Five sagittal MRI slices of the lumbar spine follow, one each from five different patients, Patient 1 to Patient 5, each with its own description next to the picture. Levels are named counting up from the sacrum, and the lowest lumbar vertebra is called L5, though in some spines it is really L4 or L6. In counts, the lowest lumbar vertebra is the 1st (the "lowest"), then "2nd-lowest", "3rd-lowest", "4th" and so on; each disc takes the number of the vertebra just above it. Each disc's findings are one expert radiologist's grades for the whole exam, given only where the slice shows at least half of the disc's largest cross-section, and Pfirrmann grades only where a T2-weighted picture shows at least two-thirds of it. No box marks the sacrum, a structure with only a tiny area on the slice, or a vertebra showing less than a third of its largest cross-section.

Patient 1 of 5:
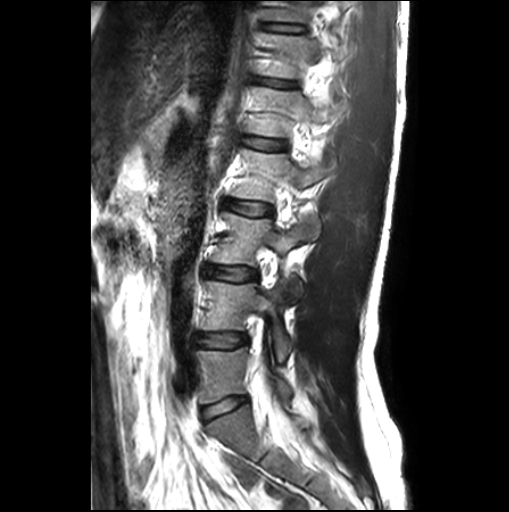 Slice spacing 3.3 mm, Slice 9 of 26, Lumbar spine MR, T2-weighted, sagittal, 509x512 px

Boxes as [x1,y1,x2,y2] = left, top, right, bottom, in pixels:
3rd-lowest vertebra: [211,212,314,302] | 5th disc: [243,137,284,149] | 5th vertebra: [248,86,330,137] | 3rd-lowest disc: [206,266,256,279] | 4th vertebra: [231,149,326,202] | 6th vertebra: [259,33,322,78] | 4th disc: [223,200,270,215] | lowest vertebra: [196,342,290,404] | 2nd-lowest vertebra: [200,277,290,362] | 7th disc: [264,23,301,32] | 2nd-lowest disc: [196,334,246,347] | 6th disc: [257,80,293,86] | lowest disc: [200,397,245,420]

Per-level radiological findings:
• 5th disc: Pfirrmann grade 1, Modic type II
• 3rd-lowest disc: Pfirrmann grade 1
• 7th disc: lower-endplate change, upper-endplate change
• 4th disc: Pfirrmann grade 1
• 2nd-lowest disc: Pfirrmann grade 1
• lowest disc: Pfirrmann grade 1

Patient 2 of 5:
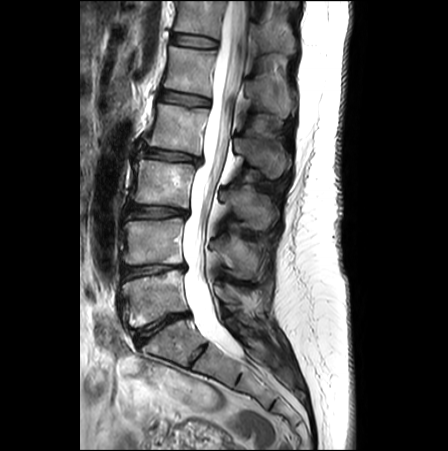

Sagittal slice index 13; T2-weighted sagittal MRI of the lumbar spine; Sex F
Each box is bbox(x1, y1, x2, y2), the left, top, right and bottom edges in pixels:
4th vertebra: bbox(150, 104, 288, 177).
6th disc: bbox(171, 33, 217, 47).
4th disc: bbox(142, 148, 200, 162).
2nd-lowest disc: bbox(122, 265, 185, 279).
2nd-lowest vertebra: bbox(123, 217, 265, 277).
6th vertebra: bbox(175, 0, 295, 54).
3rd-lowest vertebra: bbox(134, 159, 276, 229).
Spinal canal: bbox(182, 0, 247, 352).
5th disc: bbox(160, 90, 209, 105).
3rd-lowest disc: bbox(127, 204, 187, 218).
Lowest disc: bbox(134, 313, 188, 344).
Lowest vertebra: bbox(122, 269, 236, 327).
5th vertebra: bbox(164, 46, 290, 116).

Per-level radiological findings:
• lowest disc: Pfirrmann grade 4, disc narrowing, Modic type II, disc bulging
• 3rd-lowest disc: Pfirrmann grade 2, Modic type II, disc bulging
• 6th disc: Pfirrmann grade 1
• 2nd-lowest disc: Pfirrmann grade 3, Modic type II, upper-endplate change, disc narrowing, disc bulging
• 5th disc: Pfirrmann grade 1
• 4th disc: Pfirrmann grade 2, disc narrowing, disc bulging

Patient 3 of 5:
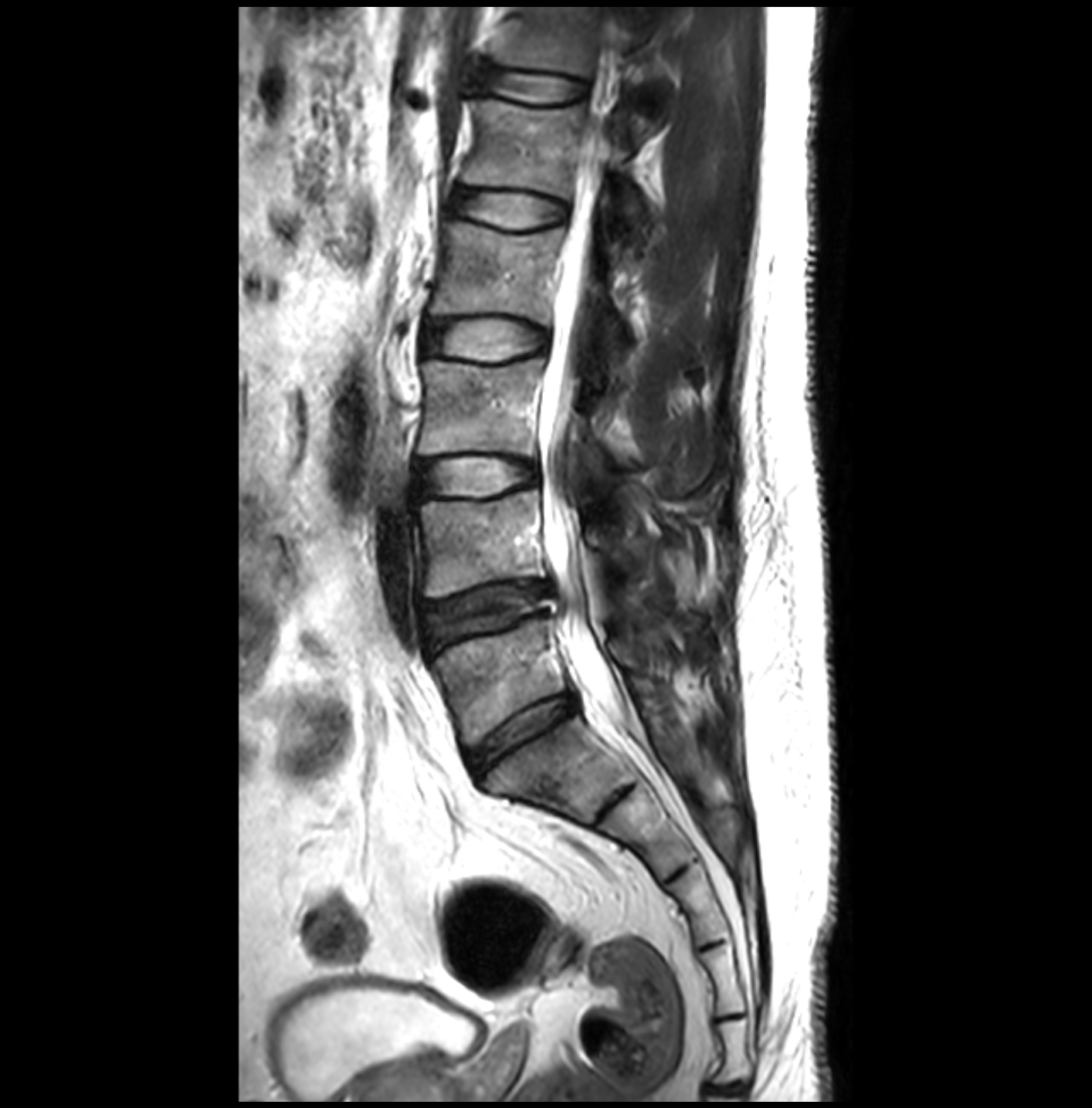 1092x1108 px | Sagittal T2-weighted lumbar spine MRI | Sagittal slice index 16
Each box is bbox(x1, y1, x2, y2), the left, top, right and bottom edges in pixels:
L4 vertebra at bbox(416, 490, 656, 600).
Thecal sac / spinal canal at bbox(541, 156, 629, 729).
IVD L3/L4 at bbox(413, 459, 538, 496).
L4/L5 at bbox(423, 582, 550, 647).
T12/L1 at bbox(481, 72, 586, 102).
L2 vertebra at bbox(430, 222, 632, 347).
L3 at bbox(418, 358, 651, 491).
L1 at bbox(463, 100, 647, 235).
L5 at bbox(432, 617, 658, 746).
T12 at bbox(498, 8, 647, 77).
IVD L1/L2 at bbox(449, 193, 565, 227).
L2/L3 at bbox(422, 322, 547, 358).
L5/S1 at bbox(467, 695, 576, 776).

Expert MSK radiologist gradings (per disc):
- L1/L2: Pfirrmann grade 1
- L2/L3: Pfirrmann grade 1
- L5/S1: Pfirrmann grade 3
- L4/L5: Pfirrmann grade 3, disc herniation
- L3/L4: Pfirrmann grade 1
- T12/L1: Pfirrmann grade 1

Patient 4 of 5:
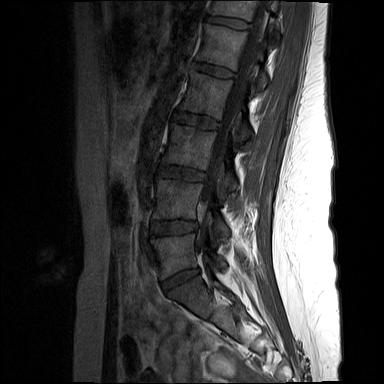
Lumbar spine MR, T1-weighted, sagittal, Sex F, Slice 10/17, 384x384 px
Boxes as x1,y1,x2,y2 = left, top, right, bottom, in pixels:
T12/L1 (6th disc) = 206,16,247,29.
L2 (4th vertebra) = 180,70,251,142.
Intervertebral disc L3/L4 (3rd-lowest disc) = 158,166,205,181.
L4 (2nd-lowest vertebra) = 153,179,228,236.
Thecal sac / spinal canal = 197,0,269,258.
L3 (3rd-lowest vertebra) = 162,123,237,190.
Intervertebral disc L4/L5 (2nd-lowest disc) = 151,221,196,234.
Intervertebral disc L1/L2 (5th disc) = 195,63,233,77.
T12 (6th vertebra) = 210,0,279,39.
L5 (lowest vertebra) = 151,234,226,279.
L2/L3 (4th disc) = 173,113,218,128.
L5/S1 (lowest disc) = 162,269,198,290.
L1 (5th vertebra) = 197,24,268,90.

Radiological gradings:
  T12/L1 (6th disc), L3/L4 (3rd-lowest disc), L1/L2 (5th disc), L2/L3 (4th disc), L5/S1 (lowest disc), L4/L5 (2nd-lowest disc): no Modic or endplate change, herniation, narrowing, bulging or spondylolisthesis recorded

Patient 5 of 5:
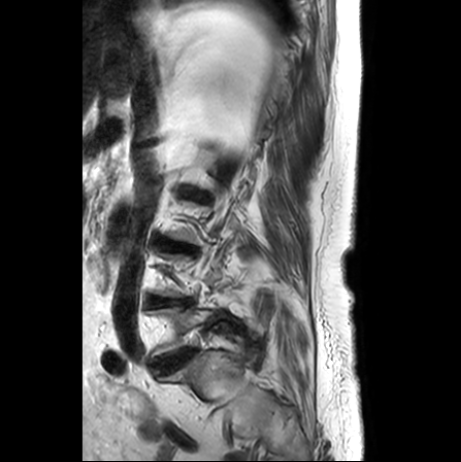

Slice spacing 3.3 mm, Slice 4 of 24, Lumbar spine MR, T2-weighted, sagittal
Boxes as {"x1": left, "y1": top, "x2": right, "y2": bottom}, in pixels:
L3/L4: {"x1": 160, "y1": 241, "x2": 193, "y2": 251}
intervertebral disc L4/L5: {"x1": 150, "y1": 297, "x2": 187, "y2": 306}
intervertebral disc L5/S1: {"x1": 155, "y1": 350, "x2": 192, "y2": 372}
L2/L3: {"x1": 187, "y1": 189, "x2": 208, "y2": 200}